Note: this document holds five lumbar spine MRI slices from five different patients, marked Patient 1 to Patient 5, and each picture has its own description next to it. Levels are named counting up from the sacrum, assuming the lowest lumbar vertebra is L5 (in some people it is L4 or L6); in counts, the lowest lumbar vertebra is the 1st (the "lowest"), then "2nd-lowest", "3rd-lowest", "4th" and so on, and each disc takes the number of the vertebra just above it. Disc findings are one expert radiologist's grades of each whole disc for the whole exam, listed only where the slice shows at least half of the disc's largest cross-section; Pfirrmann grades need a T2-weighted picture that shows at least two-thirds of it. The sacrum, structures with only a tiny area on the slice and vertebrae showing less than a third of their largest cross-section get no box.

Patient 1 of 5:
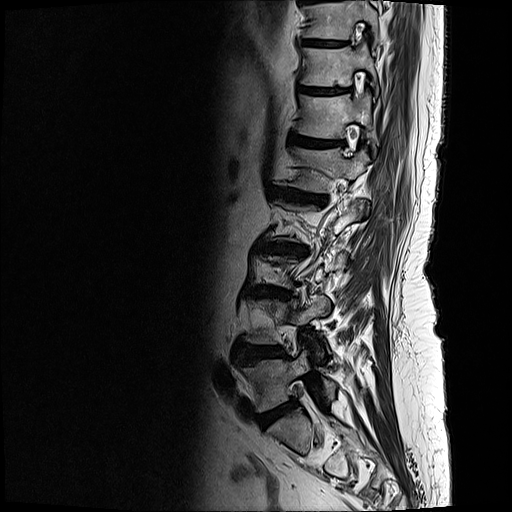

Sagittal slice index 4, MRI lumbar spine (T2-weighted), sagittal plane
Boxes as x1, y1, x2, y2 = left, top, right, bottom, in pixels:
L3/L4 at 255, 287, 286, 296.
L4/L5 at 234, 346, 286, 363.
T12/L1 at 290, 135, 343, 146.
Disc L1/L2 at 270, 187, 326, 204.
L5 at 242, 351, 336, 410.
T11/T12 at 298, 86, 349, 94.
T11 at 302, 44, 378, 94.
L1 at 290, 147, 368, 193.
Disc T10/T11 at 303, 40, 341, 46.
Disc L5/S1 at 258, 402, 293, 427.
L2/L3 at 256, 239, 306, 257.
T10 at 305, 0, 377, 45.
T12 vertebra at 298, 91, 370, 139.

Expert MSK radiologist gradings (per disc):
- L1/L2: Pfirrmann grade 5, disc narrowing, lower-endplate change, Modic type II, upper-endplate change, disc bulging
- L2/L3: Pfirrmann grade 5, disc bulging, Modic type II, upper-endplate change, disc narrowing, lower-endplate change
- T10/T11: Pfirrmann grade 4, upper-endplate change, lower-endplate change
- T11/T12: Pfirrmann grade 4, lower-endplate change, upper-endplate change
- L4/L5: Pfirrmann grade 4, upper-endplate change, disc bulging, lower-endplate change
- T12/L1: Pfirrmann grade 4, Modic type II, upper-endplate change, lower-endplate change

Patient 2 of 5:
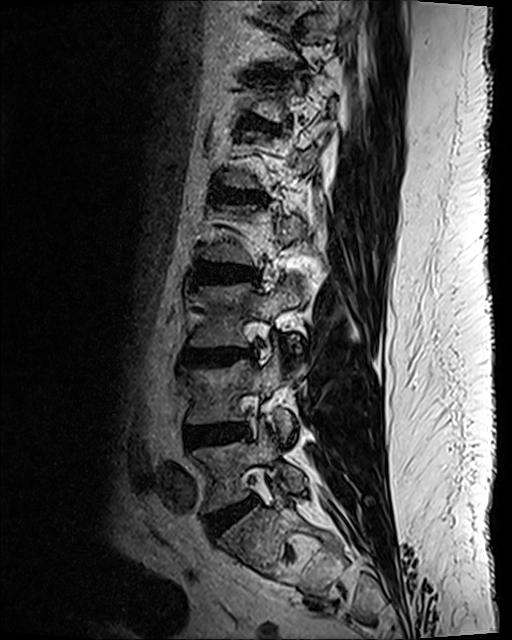
MRI lumbar spine (T2 SPACE (3D)), sagittal plane. Field of view 240x300 mm. Slice 34/120.

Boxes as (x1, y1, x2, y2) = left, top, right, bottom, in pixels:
T12/L1 (6th disc): (250, 118, 272, 129).
T11/T12 (7th disc): (261, 68, 302, 80).
Disc L4/L5 (2nd-lowest disc): (184, 425, 248, 447).
Disc L5/S1 (lowest disc): (208, 500, 253, 533).
L1/L2 (5th disc): (215, 185, 258, 204).
L3 (3rd-lowest vertebra): (191, 278, 302, 347).
L4 (2nd-lowest vertebra): (187, 349, 293, 437).
Disc L2/L3 (4th disc): (196, 267, 257, 282).
L3/L4 (3rd-lowest disc): (184, 351, 255, 365).
L5 (lowest vertebra): (193, 421, 306, 509).

Radiological gradings:
- L4/L5 (2nd-lowest disc): disc narrowing, disc bulging

Patient 3 of 5:
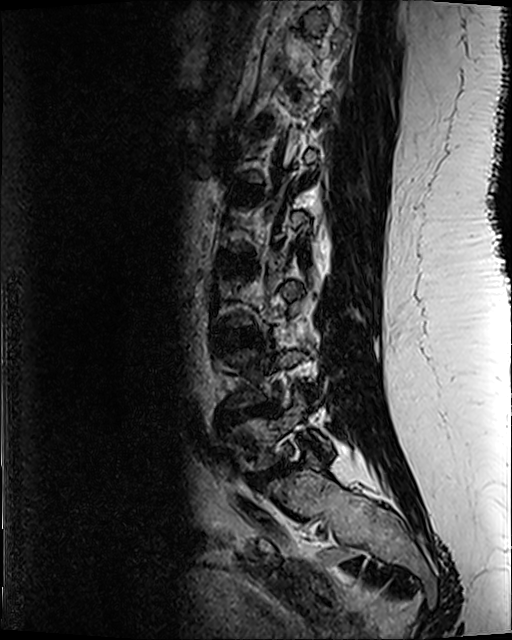
Slice 36/120; Lumbar spine MR, T2 SPACE (3D), sagittal; Slice spacing 0.9 mm; Patient sex: F

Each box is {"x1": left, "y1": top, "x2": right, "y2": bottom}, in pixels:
L4 (2nd-lowest vertebra) at {"x1": 228, "y1": 350, "x2": 303, "y2": 406}, intervertebral disc L4/L5 (2nd-lowest disc) at {"x1": 222, "y1": 405, "x2": 278, "y2": 421}, intervertebral disc L3/L4 (3rd-lowest disc) at {"x1": 231, "y1": 329, "x2": 257, "y2": 347}, L5 (lowest vertebra) at {"x1": 228, "y1": 393, "x2": 330, "y2": 470}, L5/S1 (lowest disc) at {"x1": 252, "y1": 466, "x2": 284, "y2": 486}.

Patient 4 of 5:
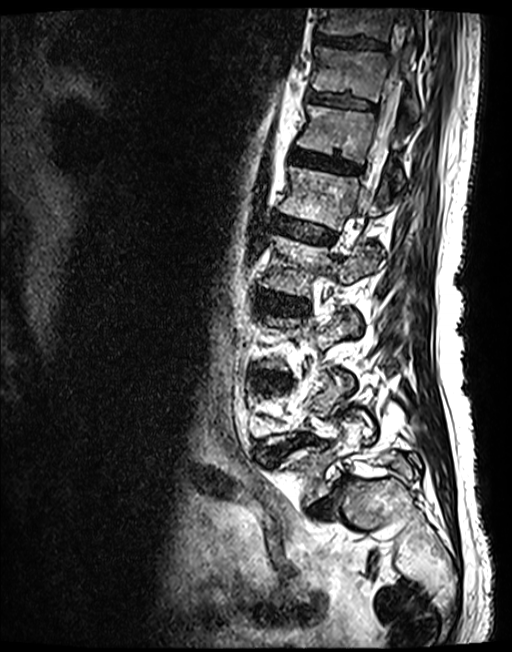 MRI lumbar spine (T2 SPACE (3D)), sagittal plane; Sex M; Image 512x652
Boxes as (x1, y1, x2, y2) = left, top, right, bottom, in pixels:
Disc L4/L5 (2nd-lowest disc) at (265, 436, 310, 458), L2 (4th vertebra) at (259, 235, 374, 296), T10/T11 (8th disc) at (315, 34, 385, 49), T12 (6th vertebra) at (296, 105, 402, 186), L2/L3 (4th disc) at (254, 292, 309, 314), L3/L4 (3rd-lowest disc) at (258, 373, 289, 388), T11 (7th vertebra) at (311, 45, 419, 119), T12/L1 (6th disc) at (290, 149, 360, 173), T10 (8th vertebra) at (317, 8, 422, 40), disc T11/T12 (7th disc) at (308, 92, 373, 109), disc L5/S1 (lowest disc) at (310, 481, 342, 510), L5 (lowest vertebra) at (276, 420, 419, 505), spinal canal at (357, 8, 412, 213), disc L1/L2 (5th disc) at (274, 216, 334, 243), L1 (5th vertebra) at (278, 166, 385, 230).

Degenerative findings by level:
  T11/T12 (7th disc): Pfirrmann grade 3
  L1/L2 (5th disc): Pfirrmann grade 3
  T12/L1 (6th disc): Pfirrmann grade 3
  L2/L3 (4th disc): Pfirrmann grade 3, disc bulging
  T10/T11 (8th disc): Pfirrmann grade 3

Patient 5 of 5:
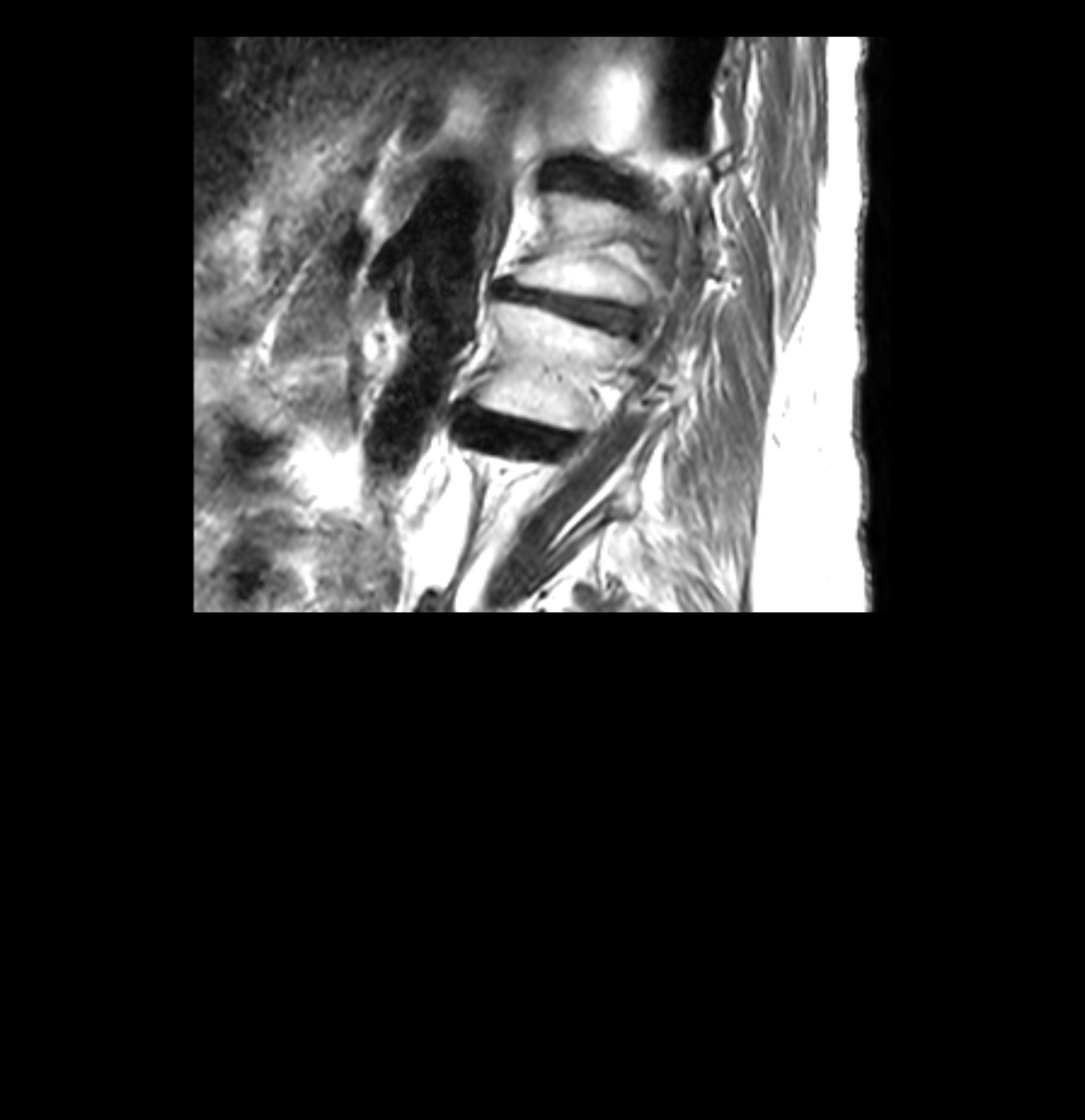 Patient sex: F, 1085x1120 px, Lumbar spine MR, T2-weighted, sagittal
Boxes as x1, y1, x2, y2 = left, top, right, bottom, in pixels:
4th vertebra at 475, 304, 678, 430.
4th disc at 453, 403, 574, 458.
5th vertebra at 511, 192, 736, 304.
5th disc at 494, 284, 639, 335.
6th disc at 562, 174, 612, 187.

Degenerative findings by level:
- 5th disc: Pfirrmann grade 5, upper-endplate change, disc bulging, Modic type II, lower-endplate change, disc narrowing
- 4th disc: Pfirrmann grade 5, lower-endplate change, upper-endplate change, disc narrowing, Modic type II, disc bulging